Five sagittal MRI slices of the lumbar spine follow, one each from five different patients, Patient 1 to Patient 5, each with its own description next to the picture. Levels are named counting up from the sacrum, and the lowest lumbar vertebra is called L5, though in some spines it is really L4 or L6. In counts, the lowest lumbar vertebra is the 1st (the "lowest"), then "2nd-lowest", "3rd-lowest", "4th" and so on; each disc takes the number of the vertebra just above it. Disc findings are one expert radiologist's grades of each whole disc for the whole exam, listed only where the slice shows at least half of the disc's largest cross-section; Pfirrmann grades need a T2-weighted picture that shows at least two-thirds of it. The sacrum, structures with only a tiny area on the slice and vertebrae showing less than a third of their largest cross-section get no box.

Patient 1 of 5:
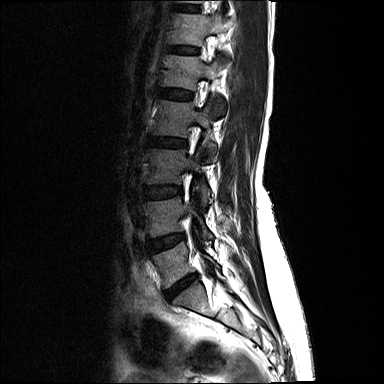 Field of view 260x260 mm, slice spacing 5.2 mm | Sex F | Lumbar spine MR, T2-weighted, sagittal | Sagittal slice index 4
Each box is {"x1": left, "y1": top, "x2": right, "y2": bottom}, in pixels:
Structures:
- L5/S1 at {"x1": 166, "y1": 275, "x2": 196, "y2": 299}
- L3/L4 at {"x1": 144, "y1": 186, "x2": 179, "y2": 199}
- T12/L1 at {"x1": 168, "y1": 46, "x2": 197, "y2": 53}
- L4 vertebra at {"x1": 143, "y1": 198, "x2": 212, "y2": 239}
- L5 at {"x1": 153, "y1": 242, "x2": 219, "y2": 287}
- L3 vertebra at {"x1": 145, "y1": 149, "x2": 212, "y2": 205}
- T12 vertebra at {"x1": 169, "y1": 14, "x2": 232, "y2": 45}
- IVD L4/L5 at {"x1": 147, "y1": 234, "x2": 183, "y2": 253}
- L1 vertebra at {"x1": 164, "y1": 55, "x2": 226, "y2": 115}
- L1/L2 at {"x1": 162, "y1": 89, "x2": 191, "y2": 99}
- IVD L2/L3 at {"x1": 148, "y1": 137, "x2": 185, "y2": 147}
- L2 vertebra at {"x1": 153, "y1": 100, "x2": 216, "y2": 161}

Degenerative findings by level:
- L3/L4: Pfirrmann grade 2
- L1/L2: Pfirrmann grade 2
- L4/L5: Pfirrmann grade 3
- L2/L3: Pfirrmann grade 3, disc bulging
- T12/L1: no herniation, bulging, narrowing, spondylolisthesis, endplate or Modic change recorded

Patient 2 of 5:
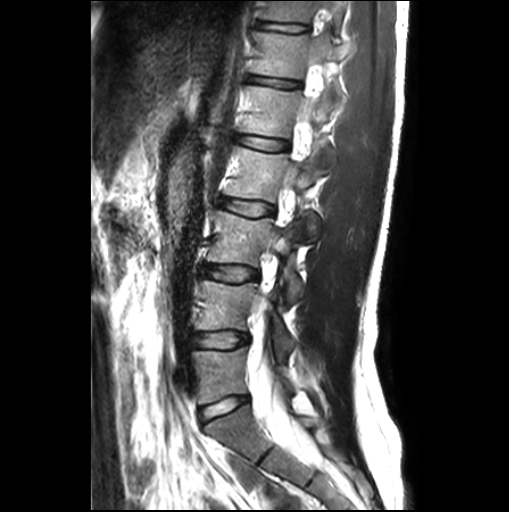

509x512 px. Slice spacing 3.3 mm. Sagittal T2-weighted lumbar spine MRI.
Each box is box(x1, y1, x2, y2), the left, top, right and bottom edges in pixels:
T12 (6th vertebra) — box(251, 30, 349, 88) | L4 (2nd-lowest vertebra) — box(196, 279, 292, 362) | L1 (5th vertebra) — box(240, 86, 336, 172) | L2/L3 (4th disc) — box(222, 199, 272, 215) | L2 (4th vertebra) — box(225, 147, 320, 241) | IVD L1/L2 (5th disc) — box(239, 137, 286, 149) | L5 (lowest vertebra) — box(192, 347, 291, 404) | IVD T11/T12 (7th disc) — box(257, 21, 307, 32) | L4/L5 (2nd-lowest disc) — box(194, 333, 247, 347) | thecal sac / spinal canal — box(252, 356, 320, 462) | T12/L1 (6th disc) — box(251, 77, 298, 86) | L3 (3rd-lowest vertebra) — box(207, 211, 303, 303) | T11 (7th vertebra) — box(262, 0, 341, 25) | L5/S1 (lowest disc) — box(198, 397, 248, 422) | L3/L4 (3rd-lowest disc) — box(204, 265, 257, 280)

Radiological gradings:
  L1/L2 (5th disc): Pfirrmann grade 1, Modic type II
  L5/S1 (lowest disc): Pfirrmann grade 1
  T12/L1 (6th disc): Pfirrmann grade 1, upper-endplate change, lower-endplate change
  L3/L4 (3rd-lowest disc): Pfirrmann grade 1
  L2/L3 (4th disc): Pfirrmann grade 1
  L4/L5 (2nd-lowest disc): Pfirrmann grade 1
  T11/T12 (7th disc): Pfirrmann grade 1, upper-endplate change, lower-endplate change

Patient 3 of 5:
SIEMENS Avanto_fit (1.5T), Sagittal T2 SPACE (3D) lumbar spine MRI, Patient sex: M
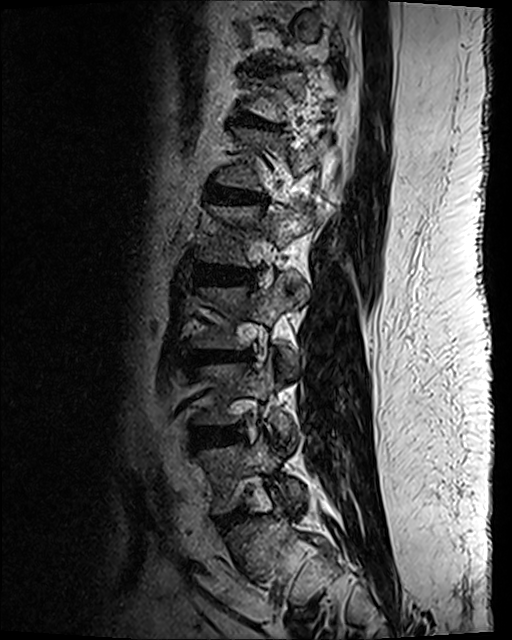

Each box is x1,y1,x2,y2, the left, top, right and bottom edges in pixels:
4th disc: 196,269,254,285
2nd-lowest disc: 192,428,238,448
3rd-lowest vertebra: 195,276,306,374
lowest disc: 215,509,244,529
3rd-lowest disc: 194,353,250,365
4th vertebra: 200,206,318,266
7th disc: 250,65,286,75
2nd-lowest vertebra: 197,361,291,434
5th disc: 208,184,265,205
6th disc: 237,115,278,130
lowest vertebra: 200,437,305,512

Radiological gradings:
  5th disc: upper-endplate change, disc bulging, disc narrowing, lower-endplate change, Modic type II

Patient 4 of 5:
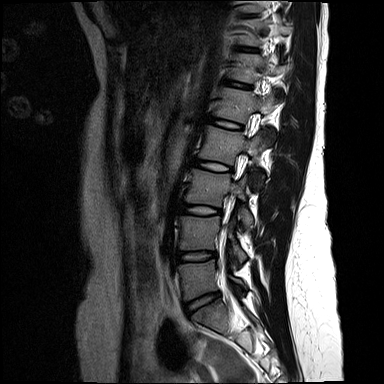 Field of view 280x280 mm, slice spacing 4.4 mm. T2-weighted sagittal MRI of the lumbar spine.
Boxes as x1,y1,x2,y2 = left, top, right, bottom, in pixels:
3rd-lowest disc = 182,203,220,215.
Lowest disc = 185,293,219,313.
2nd-lowest disc = 178,252,216,261.
7th vertebra = 242,17,290,44.
5th vertebra = 215,87,276,145.
Lowest vertebra = 179,259,246,299.
3rd-lowest vertebra = 187,169,253,225.
6th vertebra = 233,54,289,99.
4th disc = 193,159,231,171.
6th disc = 229,82,249,87.
2nd-lowest vertebra = 180,216,247,263.
4th vertebra = 199,126,264,189.
5th disc = 210,117,242,128.

Radiological gradings:
- 3rd-lowest disc: Pfirrmann grade 1
- lowest disc: Pfirrmann grade 2
- 5th disc: Pfirrmann grade 1
- 2nd-lowest disc: Pfirrmann grade 2
- 4th disc: Pfirrmann grade 1

Patient 5 of 5:
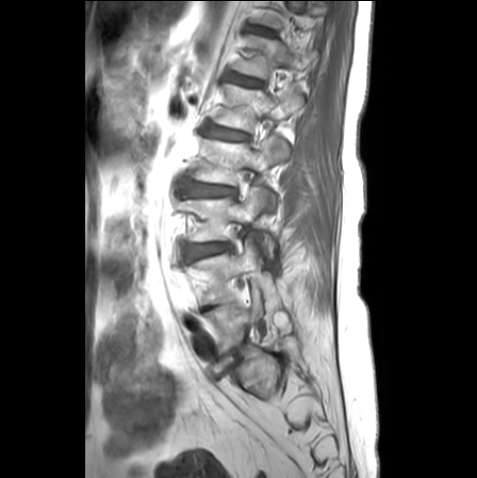 Image 477x478; Slice spacing 3.3 mm; Sagittal T1-weighted lumbar spine MRI; Sex F; Sagittal slice index 17
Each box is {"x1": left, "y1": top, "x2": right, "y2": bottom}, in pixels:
{"L3 (3rd-lowest vertebra)": {"x1": 178, "y1": 186, "x2": 276, "y2": 258}, "T12 (6th vertebra)": {"x1": 234, "y1": 36, "x2": 314, "y2": 78}, "L1 (5th vertebra)": {"x1": 216, "y1": 84, "x2": 302, "y2": 131}, "L5 (lowest vertebra)": {"x1": 204, "y1": 287, "x2": 262, "y2": 360}, "L2 (4th vertebra)": {"x1": 194, "y1": 137, "x2": 288, "y2": 211}, "disc L3/L4 (3rd-lowest disc)": {"x1": 185, "y1": 243, "x2": 229, "y2": 260}, "L2/L3 (4th disc)": {"x1": 182, "y1": 180, "x2": 234, "y2": 195}, "T12/L1 (6th disc)": {"x1": 232, "y1": 75, "x2": 261, "y2": 85}, "L5/S1 (lowest disc)": {"x1": 209, "y1": 349, "x2": 242, "y2": 378}, "L4 (2nd-lowest vertebra)": {"x1": 186, "y1": 236, "x2": 279, "y2": 304}, "disc L1/L2 (5th disc)": {"x1": 205, "y1": 124, "x2": 248, "y2": 139}}

Expert MSK radiologist gradings (per disc):
  L2/L3 (4th disc): lower-endplate change, upper-endplate change, disc bulging
  L1/L2 (5th disc): upper-endplate change, lower-endplate change
  L3/L4 (3rd-lowest disc): upper-endplate change, disc bulging, lower-endplate change, Modic type II
  L5/S1 (lowest disc), T12/L1 (6th disc): no herniation, bulging, narrowing, spondylolisthesis, endplate or Modic change recorded